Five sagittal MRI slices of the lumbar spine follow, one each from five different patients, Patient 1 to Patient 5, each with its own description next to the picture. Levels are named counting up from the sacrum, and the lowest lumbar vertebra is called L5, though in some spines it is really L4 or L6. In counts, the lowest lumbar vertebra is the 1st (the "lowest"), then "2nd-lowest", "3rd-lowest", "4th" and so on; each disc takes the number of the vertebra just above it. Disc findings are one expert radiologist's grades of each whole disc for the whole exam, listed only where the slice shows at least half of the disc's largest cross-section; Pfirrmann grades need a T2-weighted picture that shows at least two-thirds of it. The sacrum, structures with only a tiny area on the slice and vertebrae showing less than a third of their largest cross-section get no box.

Patient 1 of 5:
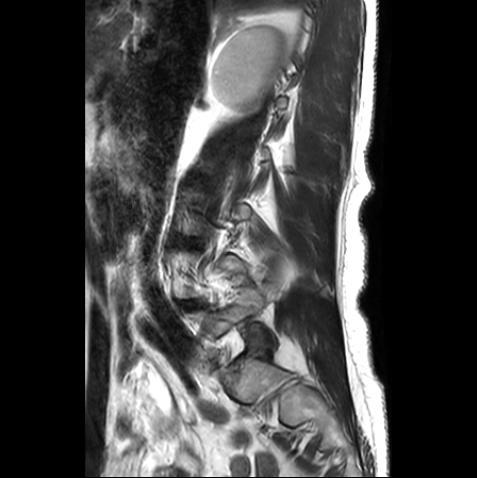
Slice 4/25, T2-weighted sagittal MRI of the lumbar spine

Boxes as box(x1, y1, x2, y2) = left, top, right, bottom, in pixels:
L4/L5 (2nd-lowest disc) — box(181, 302, 196, 306) | L5 (lowest vertebra) — box(186, 293, 263, 353)

Patient 2 of 5:
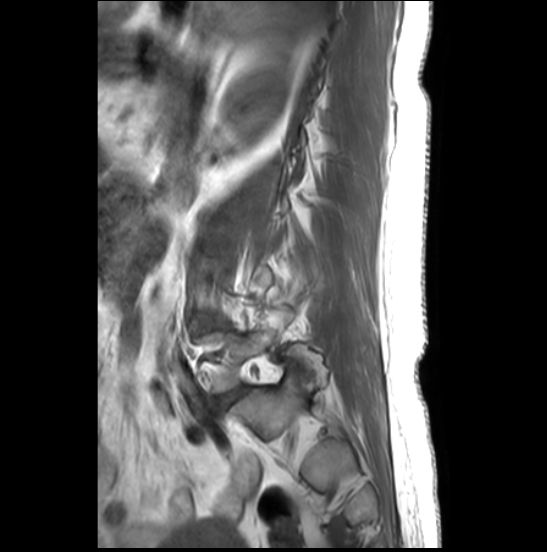
Field of view 280x282 mm, slice spacing 3.3 mm | Patient sex: F | Sagittal T1-weighted lumbar spine MRI | Slice 6 of 27

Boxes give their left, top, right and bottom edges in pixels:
lowest disc — left=211, top=386, right=247, bottom=411 | lowest vertebra — left=203, top=330, right=274, bottom=392

Patient 3 of 5:
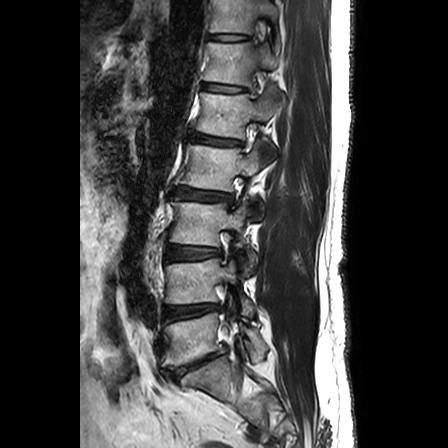
MRI lumbar spine (T2-weighted), sagittal plane, 448x448 px

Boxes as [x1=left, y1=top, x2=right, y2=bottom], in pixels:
Annotations:
- 2nd-lowest disc at [x1=165, y1=304, x2=219, y2=320]
- 6th vertebra at [x1=204, y1=42, x2=286, y2=103]
- 7th vertebra at [x1=210, y1=0, x2=279, y2=53]
- 5th disc at [x1=192, y1=134, x2=240, y2=145]
- lowest vertebra at [x1=162, y1=293, x2=267, y2=368]
- 4th disc at [x1=177, y1=188, x2=232, y2=202]
- 7th disc at [x1=209, y1=34, x2=247, y2=40]
- lowest disc at [x1=171, y1=346, x2=227, y2=379]
- 3rd-lowest disc at [x1=165, y1=246, x2=221, y2=260]
- 4th vertebra at [x1=176, y1=145, x2=265, y2=222]
- 6th disc at [x1=202, y1=83, x2=244, y2=92]
- 2nd-lowest vertebra at [x1=165, y1=255, x2=254, y2=317]
- 5th vertebra at [x1=196, y1=90, x2=277, y2=138]
- 3rd-lowest vertebra at [x1=169, y1=202, x2=257, y2=277]

Per-level radiological findings:
- 7th disc: Pfirrmann grade 1
- 6th disc: Pfirrmann grade 1
- 3rd-lowest disc: Pfirrmann grade 2, disc bulging
- lowest disc: lower-endplate change, disc bulging, Modic type II, disc narrowing, disc herniation, spondylolisthesis, upper-endplate change
- 2nd-lowest disc: Pfirrmann grade 3, disc narrowing, disc bulging
- 5th disc: Pfirrmann grade 3, Modic type II, disc bulging, upper-endplate change, lower-endplate change
- 4th disc: Pfirrmann grade 3, disc bulging

Patient 4 of 5:
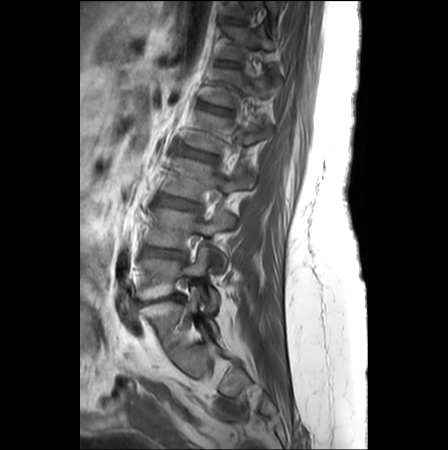 MRI lumbar spine (T1-weighted), sagittal plane, Sagittal slice index 18
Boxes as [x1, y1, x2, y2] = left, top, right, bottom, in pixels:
Structures:
- L3 — [163, 158, 254, 201]
- L1 vertebra — [202, 69, 280, 107]
- T12/L1 — [221, 62, 236, 67]
- L5 vertebra — [136, 248, 218, 310]
- L5/S1 — [136, 293, 182, 305]
- T12 — [219, 26, 274, 60]
- L2 vertebra — [185, 112, 271, 153]
- L4/L5 — [142, 247, 184, 259]
- L4 — [147, 208, 235, 272]
- T11 vertebra — [225, 1, 277, 18]
- L2/L3 — [180, 147, 214, 160]
- L3/L4 — [158, 195, 197, 210]
- intervertebral disc L1/L2 — [201, 105, 228, 114]

Radiological gradings:
- L3/L4: disc bulging, Modic type II
- L4/L5: disc bulging, disc herniation
- L5/S1: Modic type II, disc narrowing, spondylolisthesis, disc bulging

Patient 5 of 5:
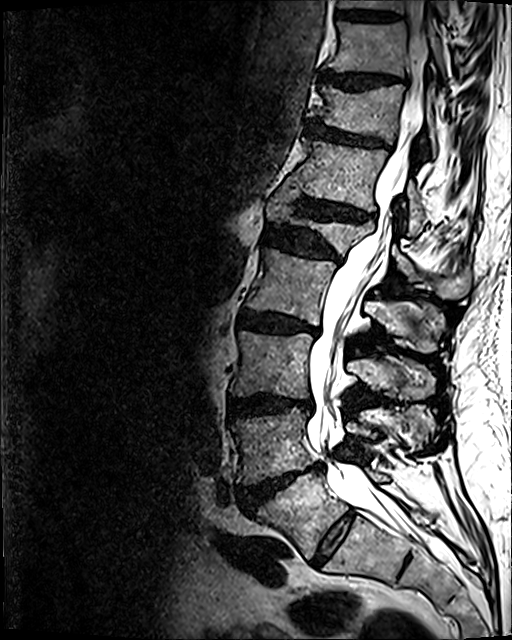
Sagittal T2 SPACE (3D) lumbar spine MRI | Image 512x640 | Slice 60 of 120
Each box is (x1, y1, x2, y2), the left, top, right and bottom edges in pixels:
T12/L1 — (296, 197, 370, 220).
L1/L2 — (264, 226, 342, 261).
L4/L5 — (241, 463, 322, 511).
T12 vertebra — (287, 138, 427, 236).
L3/L4 — (229, 395, 312, 416).
T10 — (326, 22, 445, 81).
L5/S1 — (312, 511, 355, 566).
L1 vertebra — (266, 185, 468, 297).
L3 — (230, 332, 433, 398).
Thecal sac / spinal canal — (307, 1, 449, 559).
T11/T12 — (306, 121, 386, 146).
T9/T10 — (336, 10, 397, 21).
T11 vertebra — (307, 84, 436, 152).
L2/L3 — (239, 311, 318, 334).
Intervertebral disc T10/T11 — (320, 71, 399, 89).
L2 — (246, 248, 438, 353).
L4 — (232, 406, 431, 484).
L5 vertebra — (259, 470, 388, 558).

Expert MSK radiologist gradings (per disc):
• L4/L5: Pfirrmann grade 5, Modic type II, disc herniation, disc narrowing, disc bulging, lower-endplate change, upper-endplate change
• T12/L1: Pfirrmann grade 4, upper-endplate change, disc narrowing, lower-endplate change, disc bulging
• L5/S1: Pfirrmann grade 2
• T9/T10: Pfirrmann grade 3, lower-endplate change
• L1/L2: Pfirrmann grade 4, disc bulging, upper-endplate change, disc narrowing, lower-endplate change
• T10/T11: Pfirrmann grade 4, disc bulging, lower-endplate change, upper-endplate change
• L2/L3: Pfirrmann grade 4, lower-endplate change, upper-endplate change, disc bulging, Modic type II, disc narrowing
• L3/L4: Pfirrmann grade 4, upper-endplate change, disc narrowing, lower-endplate change, disc bulging
• T11/T12: Pfirrmann grade 4, upper-endplate change, disc bulging, lower-endplate change, disc narrowing